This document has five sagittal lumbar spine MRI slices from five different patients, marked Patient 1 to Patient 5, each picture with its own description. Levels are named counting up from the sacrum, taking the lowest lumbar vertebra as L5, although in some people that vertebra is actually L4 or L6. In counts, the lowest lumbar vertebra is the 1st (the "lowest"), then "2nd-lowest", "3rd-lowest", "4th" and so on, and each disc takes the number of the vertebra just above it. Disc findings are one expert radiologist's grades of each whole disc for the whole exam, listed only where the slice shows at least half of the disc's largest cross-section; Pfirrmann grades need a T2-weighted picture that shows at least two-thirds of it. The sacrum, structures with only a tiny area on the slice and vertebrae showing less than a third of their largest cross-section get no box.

Patient 1 of 5:
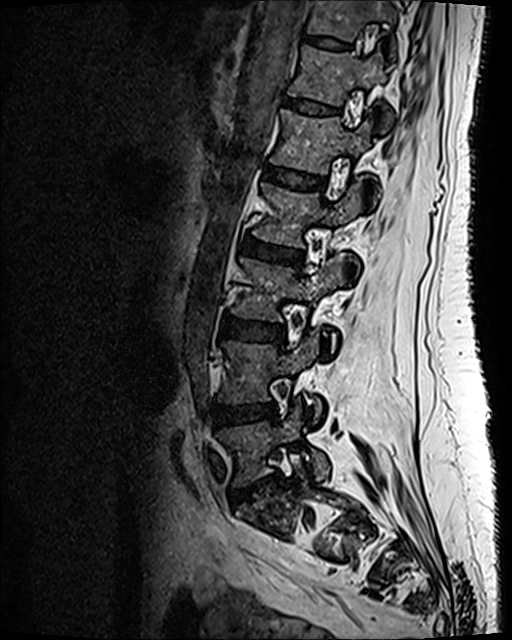
Field of view 240x300 mm, Lumbar spine MR, T2 SPACE (3D), sagittal
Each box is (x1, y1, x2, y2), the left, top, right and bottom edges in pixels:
5th vertebra = (270, 109, 371, 174).
6th disc = (284, 98, 337, 114).
2nd-lowest vertebra = (218, 333, 322, 421).
7th disc = (306, 37, 349, 51).
3rd-lowest disc = (222, 318, 284, 341).
Lowest vertebra = (219, 407, 329, 485).
4th vertebra = (253, 183, 362, 271).
7th vertebra = (304, 0, 395, 42).
3rd-lowest vertebra = (231, 255, 342, 350).
Lowest disc = (230, 476, 277, 505).
2nd-lowest disc = (213, 403, 277, 425).
4th disc = (242, 237, 303, 264).
6th vertebra = (288, 45, 391, 127).
5th disc = (263, 168, 326, 189).

Radiological gradings:
  2nd-lowest disc: disc bulging
  5th disc: Pfirrmann grade 2
  4th disc: disc bulging
  3rd-lowest disc, 6th disc, 7th disc: no Modic or endplate change, herniation, narrowing, bulging or spondylolisthesis recorded

Patient 2 of 5:
Patient sex: F | Lumbar spine MR, T1-weighted, sagittal
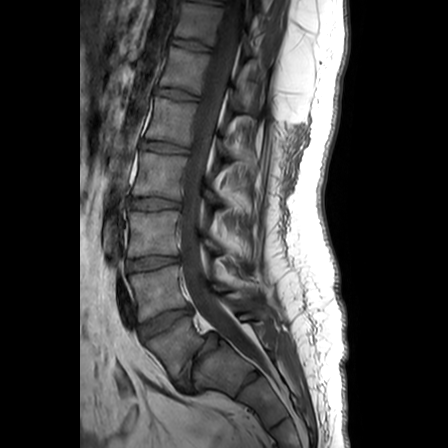
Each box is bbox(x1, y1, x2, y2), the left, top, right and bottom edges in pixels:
L2/L3: bbox(127, 198, 180, 210)
IVD T12/L1: bbox(157, 88, 199, 100)
thecal sac / spinal canal: bbox(180, 0, 259, 359)
L1/L2: bbox(145, 141, 188, 154)
L5/S1: bbox(178, 334, 220, 389)
L2 vertebra: bbox(133, 152, 224, 203)
L4: bbox(129, 265, 257, 321)
T11/T12: bbox(173, 38, 210, 50)
L3 vertebra: bbox(129, 211, 224, 256)
L4/L5: bbox(140, 306, 192, 339)
L1: bbox(147, 98, 236, 158)
T12: bbox(161, 47, 248, 111)
T11 vertebra: bbox(175, 3, 253, 55)
L3/L4: bbox(129, 256, 178, 271)
L5 vertebra: bbox(147, 310, 274, 379)

Degenerative findings by level:
  L5/S1: disc bulging, lower-endplate change, spondylolisthesis, disc narrowing
  L4/L5: disc bulging
  L2/L3, T12/L1, T11/T12, L1/L2, L3/L4: no spondylolisthesis, narrowing, bulging, herniation, Modic or endplate change recorded

Patient 3 of 5:
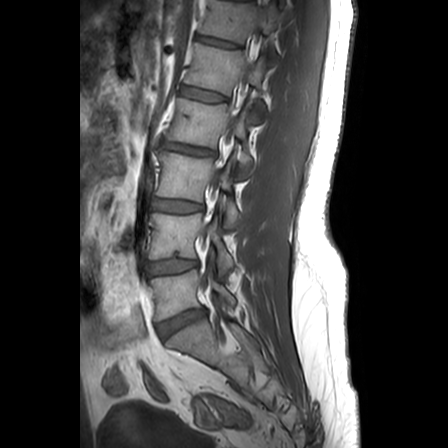 Patient sex: M, 448x448 px, Sagittal slice index 8, Sagittal T1-weighted lumbar spine MRI
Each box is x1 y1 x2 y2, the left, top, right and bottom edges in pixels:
Segmented structures:
* disc L5/S1 at 158 310 203 336
* disc L4/L5 at 149 260 197 273
* disc L1/L2 at 181 87 225 101
* L2 vertebra at 166 98 252 173
* L2/L3 at 162 142 214 155
* spinal canal at 227 50 255 135
* L1 vertebra at 185 43 265 94
* L5 at 151 269 235 320
* L3 at 157 152 238 226
* T12 at 201 0 279 42
* L4 vertebra at 148 213 233 273
* L3/L4 at 155 199 202 212
* disc T12/L1 at 198 35 237 47

Per-level radiological findings:
• L2/L3: lower-endplate change, disc bulging, upper-endplate change, disc narrowing
• T12/L1: upper-endplate change, lower-endplate change
• L5/S1: disc herniation
• L4/L5: lower-endplate change
• L3/L4: upper-endplate change
• L1/L2: no herniation, bulging, narrowing, spondylolisthesis, endplate or Modic change recorded

Patient 4 of 5:
Sagittal T2-weighted lumbar spine MRI | Image 448x448

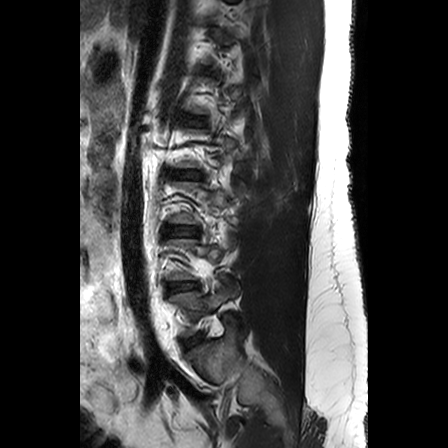
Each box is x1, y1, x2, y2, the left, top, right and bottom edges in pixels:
L5/S1 — 186, 334, 201, 347.
L3/L4 — 167, 226, 195, 235.
L4/L5 — 168, 282, 196, 290.
L5 vertebra — 170, 284, 239, 334.
L2/L3 — 172, 171, 199, 178.

Patient 5 of 5:
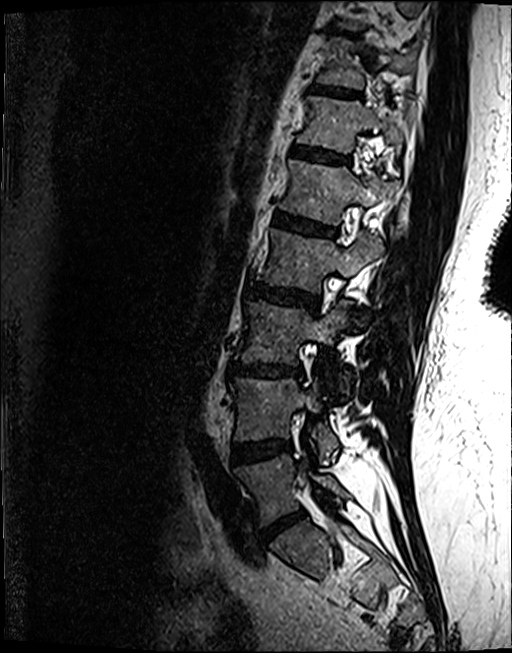 Sex F. Lumbar spine MR, T2 SPACE (3D), sagittal.

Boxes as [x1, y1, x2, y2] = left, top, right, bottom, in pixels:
L4 vertebra at [230, 378, 339, 461], intervertebral disc L1/L2 at [274, 212, 336, 235], L5 at [233, 453, 348, 525], intervertebral disc L3/L4 at [231, 362, 302, 377], L2 at [257, 228, 382, 325], L2/L3 at [249, 283, 319, 309], intervertebral disc T11/T12 at [308, 84, 362, 96], intervertebral disc L4/L5 at [231, 438, 292, 463], L3 vertebra at [237, 300, 348, 398], L1 vertebra at [277, 158, 390, 224], T10/T11 at [325, 26, 361, 35], T12 at [296, 94, 401, 152], T11 at [314, 36, 416, 88], T12/L1 at [291, 145, 349, 162], intervertebral disc L5/S1 at [262, 510, 305, 540].

Degenerative findings by level:
• L3/L4: Pfirrmann grade 4, Modic type II, upper-endplate change, lower-endplate change, disc narrowing, disc bulging
• L1/L2: Pfirrmann grade 4, lower-endplate change, Modic type II, upper-endplate change
• T11/T12: upper-endplate change
• T12/L1: Pfirrmann grade 3, upper-endplate change, lower-endplate change
• L4/L5: Pfirrmann grade 4, disc bulging, lower-endplate change, Modic type II
• L2/L3: Pfirrmann grade 4, upper-endplate change, disc bulging, lower-endplate change